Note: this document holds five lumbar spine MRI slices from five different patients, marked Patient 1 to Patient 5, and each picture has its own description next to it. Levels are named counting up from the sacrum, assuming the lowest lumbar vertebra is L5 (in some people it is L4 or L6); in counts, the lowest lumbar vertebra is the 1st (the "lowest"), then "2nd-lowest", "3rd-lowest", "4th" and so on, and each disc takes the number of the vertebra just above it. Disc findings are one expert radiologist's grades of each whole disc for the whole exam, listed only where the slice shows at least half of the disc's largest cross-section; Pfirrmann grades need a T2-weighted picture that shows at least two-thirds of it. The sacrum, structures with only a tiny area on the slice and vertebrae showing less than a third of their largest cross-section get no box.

Patient 1 of 5:
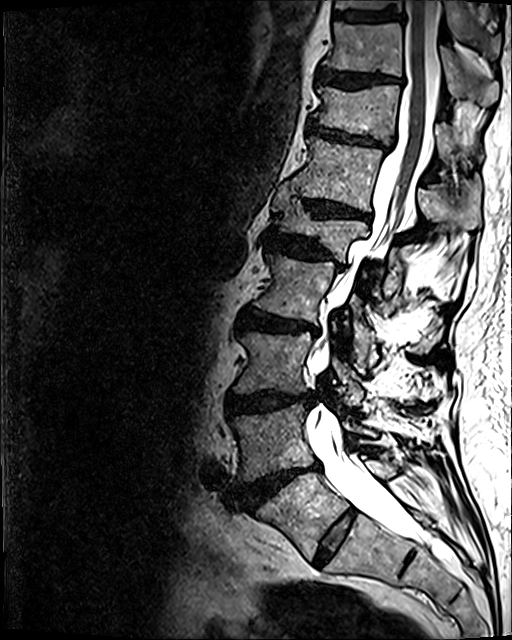 Slice spacing 0.9 mm | Lumbar spine MR, T2 SPACE (3D), sagittal | Image 512x640
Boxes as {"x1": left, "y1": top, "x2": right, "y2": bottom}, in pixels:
• spinal canal = {"x1": 306, "y1": 0, "x2": 452, "y2": 559}
• 3rd-lowest disc = {"x1": 226, "y1": 392, "x2": 313, "y2": 414}
• 6th vertebra = {"x1": 289, "y1": 137, "x2": 479, "y2": 227}
• 5th vertebra = {"x1": 271, "y1": 185, "x2": 401, "y2": 297}
• 6th disc = {"x1": 304, "y1": 199, "x2": 369, "y2": 219}
• 7th disc = {"x1": 308, "y1": 121, "x2": 389, "y2": 150}
• 9th vertebra = {"x1": 335, "y1": 0, "x2": 500, "y2": 52}
• 8th disc = {"x1": 319, "y1": 69, "x2": 401, "y2": 89}
• 4th disc = {"x1": 239, "y1": 311, "x2": 319, "y2": 335}
• 9th disc = {"x1": 335, "y1": 10, "x2": 400, "y2": 21}
• 3rd-lowest vertebra = {"x1": 234, "y1": 330, "x2": 363, "y2": 405}
• 7th vertebra = {"x1": 313, "y1": 84, "x2": 466, "y2": 158}
• 2nd-lowest vertebra = {"x1": 232, "y1": 404, "x2": 376, "y2": 482}
• 5th disc = {"x1": 266, "y1": 232, "x2": 341, "y2": 267}
• 4th vertebra = {"x1": 253, "y1": 254, "x2": 434, "y2": 360}
• lowest disc = {"x1": 313, "y1": 510, "x2": 356, "y2": 565}
• 2nd-lowest disc = {"x1": 242, "y1": 463, "x2": 319, "y2": 507}
• 8th vertebra = {"x1": 324, "y1": 22, "x2": 499, "y2": 105}
• lowest vertebra = {"x1": 257, "y1": 461, "x2": 396, "y2": 559}

Degenerative findings by level:
  4th disc: Pfirrmann grade 4, disc narrowing, lower-endplate change, disc bulging, Modic type II, upper-endplate change
  5th disc: Pfirrmann grade 4, lower-endplate change, disc narrowing, disc bulging, upper-endplate change
  2nd-lowest disc: Pfirrmann grade 5, disc narrowing, upper-endplate change, Modic type II, disc herniation, lower-endplate change, disc bulging
  7th disc: Pfirrmann grade 4, disc bulging, disc narrowing, lower-endplate change, upper-endplate change
  8th disc: Pfirrmann grade 4, lower-endplate change, upper-endplate change, disc bulging
  9th disc: Pfirrmann grade 3, lower-endplate change
  lowest disc: Pfirrmann grade 2
  3rd-lowest disc: Pfirrmann grade 4, lower-endplate change, disc bulging, disc narrowing, upper-endplate change
  6th disc: Pfirrmann grade 4, disc bulging, lower-endplate change, upper-endplate change, disc narrowing

Patient 2 of 5:
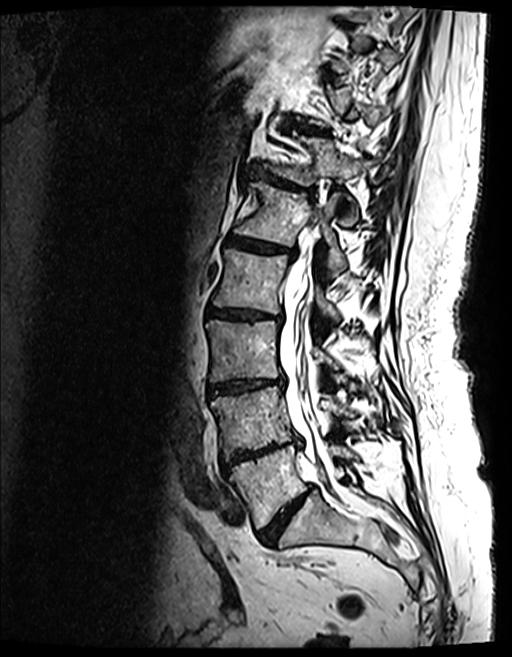

Sex F, Field of view 240x308 mm, slice spacing 0.9 mm, Lumbar spine MR, T2 SPACE (3D), sagittal
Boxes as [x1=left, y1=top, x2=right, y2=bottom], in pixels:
{"lowest disc": "[x1=256, y1=485, x2=312, y2=544]", "lowest vertebra": "[x1=229, y1=445, x2=354, y2=528]", "4th vertebra": "[x1=212, y1=249, x2=338, y2=319]", "2nd-lowest vertebra": "[x1=210, y1=387, x2=353, y2=457]", "spinal canal": "[x1=279, y1=225, x2=338, y2=488]", "5th vertebra": "[x1=234, y1=181, x2=346, y2=275]", "6th vertebra": "[x1=262, y1=133, x2=365, y2=225]", "6th disc": "[x1=250, y1=170, x2=313, y2=196]", "4th disc": "[x1=207, y1=306, x2=282, y2=321]", "3rd-lowest disc": "[x1=209, y1=377, x2=283, y2=394]", "7th disc": "[x1=285, y1=118, x2=319, y2=133]", "2nd-lowest disc": "[x1=222, y1=439, x2=300, y2=470]", "3rd-lowest vertebra": "[x1=206, y1=320, x2=338, y2=381]", "5th disc": "[x1=227, y1=237, x2=293, y2=256]"}

Expert MSK radiologist gradings (per disc):
  2nd-lowest disc: Pfirrmann grade 5, upper-endplate change, disc bulging, disc narrowing, lower-endplate change, Modic type II
  3rd-lowest disc: Pfirrmann grade 4, Modic type II, disc narrowing, upper-endplate change, lower-endplate change, disc bulging
  4th disc: Pfirrmann grade 4, lower-endplate change, upper-endplate change, Modic type II, disc bulging, disc narrowing
  5th disc: Pfirrmann grade 4, Modic type II, upper-endplate change, disc narrowing, disc bulging, lower-endplate change
  lowest disc: Pfirrmann grade 4, disc bulging, disc narrowing
  7th disc: disc bulging, Modic type II, disc narrowing, upper-endplate change, lower-endplate change
  6th disc: Pfirrmann grade 4, disc narrowing, disc bulging, Modic type II, lower-endplate change, upper-endplate change

Patient 3 of 5:
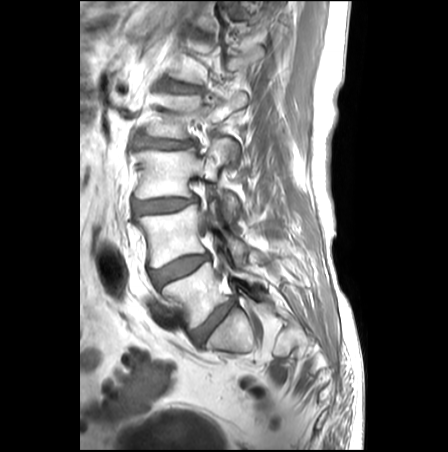 MRI lumbar spine (T1-weighted), sagittal plane; Slice 19/27
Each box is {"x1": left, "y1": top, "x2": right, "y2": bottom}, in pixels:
L5 — {"x1": 162, "y1": 254, "x2": 268, "y2": 327}.
L4/L5 — {"x1": 150, "y1": 254, "x2": 209, "y2": 286}.
L3/L4 — {"x1": 134, "y1": 197, "x2": 197, "y2": 214}.
L4 vertebra — {"x1": 137, "y1": 201, "x2": 247, "y2": 267}.
Intervertebral disc L5/S1 — {"x1": 191, "y1": 300, "x2": 234, "y2": 345}.
L2 — {"x1": 147, "y1": 92, "x2": 246, "y2": 138}.
L3 vertebra — {"x1": 135, "y1": 138, "x2": 239, "y2": 221}.
L1/L2 — {"x1": 168, "y1": 81, "x2": 201, "y2": 92}.
Spinal canal — {"x1": 200, "y1": 211, "x2": 209, "y2": 232}.
L2/L3 — {"x1": 138, "y1": 136, "x2": 195, "y2": 148}.

Per-level radiological findings:
- L2/L3: disc bulging
- L5/S1: disc bulging
- L3/L4: disc narrowing, disc bulging
- L4/L5: disc bulging

Patient 4 of 5:
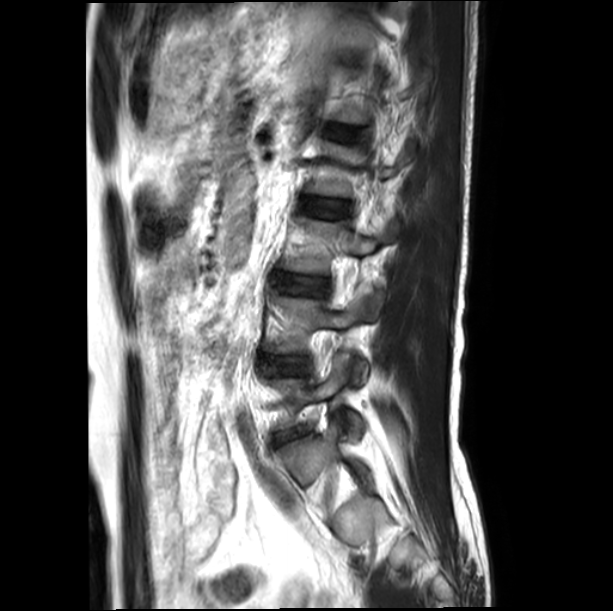 Lumbar spine MR, T2-weighted, sagittal. Slice 15 of 18.
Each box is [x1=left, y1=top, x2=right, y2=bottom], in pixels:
{"L5 (lowest vertebra)": "[x1=273, y1=359, x2=365, y2=438]", "L3/L4 (3rd-lowest disc)": "[x1=277, y1=273, x2=326, y2=294]", "L4 (2nd-lowest vertebra)": "[x1=269, y1=296, x2=367, y2=382]", "disc L1/L2 (5th disc)": "[x1=330, y1=126, x2=358, y2=137]", "L3 (3rd-lowest vertebra)": "[x1=282, y1=217, x2=397, y2=313]", "disc L2/L3 (4th disc)": "[x1=304, y1=198, x2=347, y2=217]", "disc L5/S1 (lowest disc)": "[x1=280, y1=428, x2=303, y2=440]", "L4/L5 (2nd-lowest disc)": "[x1=269, y1=358, x2=303, y2=374]"}

Radiological gradings:
- L3/L4 (3rd-lowest disc): no herniation, bulging, narrowing, spondylolisthesis, endplate or Modic change recorded

Patient 5 of 5:
Slice spacing 3.3 mm. Sex F. Sagittal slice index 8. T1-weighted sagittal MRI of the lumbar spine. 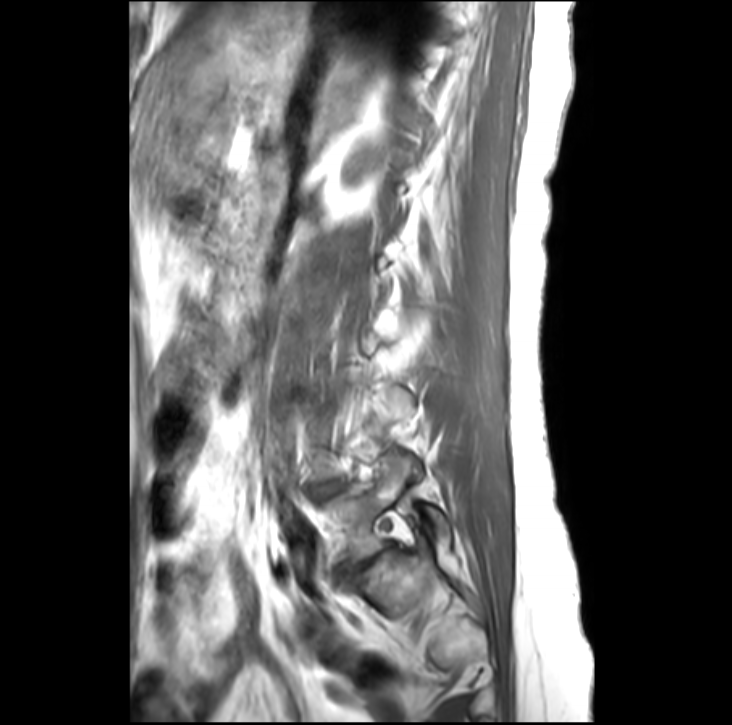
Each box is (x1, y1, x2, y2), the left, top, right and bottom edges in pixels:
Annotations:
- disc L5/S1 at (341, 544, 395, 578)
- L5 vertebra at (327, 456, 452, 568)